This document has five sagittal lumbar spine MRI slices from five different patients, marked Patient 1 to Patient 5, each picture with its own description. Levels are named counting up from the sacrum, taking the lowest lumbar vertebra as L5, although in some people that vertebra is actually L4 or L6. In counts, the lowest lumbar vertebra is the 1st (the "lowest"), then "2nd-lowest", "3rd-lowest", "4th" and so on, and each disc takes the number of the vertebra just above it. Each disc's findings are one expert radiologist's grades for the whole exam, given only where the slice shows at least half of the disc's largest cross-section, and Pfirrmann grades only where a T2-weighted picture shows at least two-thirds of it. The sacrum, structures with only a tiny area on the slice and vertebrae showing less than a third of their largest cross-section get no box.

Patient 1 of 5:
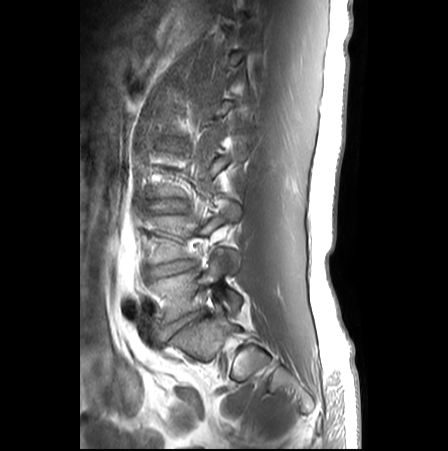 Sagittal slice index 20; Lumbar spine MR, T1-weighted, sagittal

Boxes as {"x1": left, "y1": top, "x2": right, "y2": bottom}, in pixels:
disc L5/S1 (lowest disc): {"x1": 165, "y1": 310, "x2": 203, "y2": 336}
disc L4/L5 (2nd-lowest disc): {"x1": 147, "y1": 261, "x2": 192, "y2": 279}
L5 (lowest vertebra): {"x1": 149, "y1": 254, "x2": 242, "y2": 324}
L4 (2nd-lowest vertebra): {"x1": 147, "y1": 204, "x2": 240, "y2": 273}
L3/L4 (3rd-lowest disc): {"x1": 150, "y1": 199, "x2": 182, "y2": 213}

Degenerative findings by level:
• L4/L5 (2nd-lowest disc): disc narrowing, disc bulging

Patient 2 of 5:
Patient sex: M, MRI lumbar spine (T2-weighted), sagittal plane, Slice 15 of 17
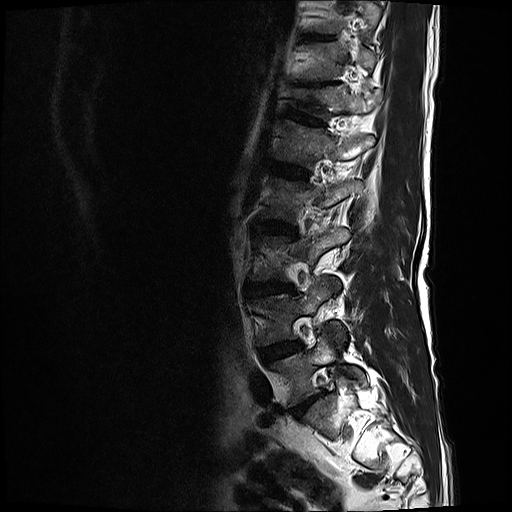

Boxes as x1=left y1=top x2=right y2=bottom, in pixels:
L1/L2 at x1=270 y1=159 x2=308 y2=178.
L2 vertebra at x1=260 y1=176 x2=362 y2=221.
L4 vertebra at x1=258 y1=277 x2=338 y2=344.
T12/L1 at x1=289 y1=108 x2=325 y2=124.
Disc L5/S1 at x1=291 y1=393 x2=321 y2=418.
L2/L3 at x1=252 y1=219 x2=297 y2=232.
T11 at x1=299 y1=43 x2=375 y2=79.
T12 vertebra at x1=294 y1=86 x2=381 y2=118.
L1 vertebra at x1=276 y1=119 x2=375 y2=168.
Disc T11/T12 at x1=305 y1=81 x2=330 y2=85.
L4/L5 at x1=261 y1=341 x2=301 y2=361.
L3/L4 at x1=248 y1=280 x2=293 y2=292.
L5 at x1=270 y1=334 x2=365 y2=404.
T10/T11 at x1=313 y1=34 x2=333 y2=38.

Radiological gradings:
• L4/L5: Modic type II, disc bulging
• L3/L4: Modic type II, disc narrowing, disc bulging
• L1/L2: no Modic or endplate change, herniation, narrowing, bulging or spondylolisthesis recorded

Patient 3 of 5:
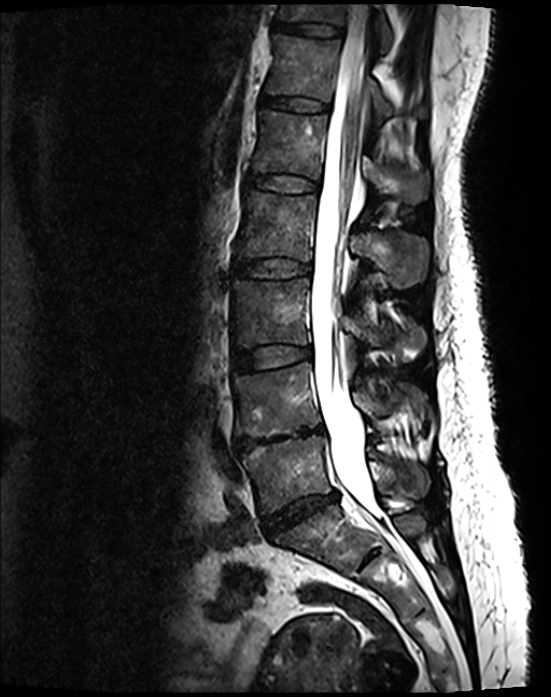 551x697 px; Patient sex: F; MRI lumbar spine (T2 SPACE (3D)), sagittal plane

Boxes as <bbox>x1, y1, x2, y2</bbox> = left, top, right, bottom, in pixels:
L3 vertebra — <bbox>233, 279, 420, 363</bbox>.
L4/L5 — <bbox>235, 427, 323, 451</bbox>.
L5 — <bbox>242, 435, 427, 513</bbox>.
T12 — <bbox>265, 35, 425, 124</bbox>.
T11 — <bbox>279, 4, 392, 53</bbox>.
L1 — <bbox>253, 110, 427, 201</bbox>.
L5/S1 — <bbox>263, 492, 337, 535</bbox>.
Disc T11/T12 — <bbox>273, 22, 341, 36</bbox>.
Disc L3/L4 — <bbox>233, 344, 311, 371</bbox>.
L2 vertebra — <bbox>237, 191, 426, 287</bbox>.
L1/L2 — <bbox>247, 173, 319, 192</bbox>.
Thecal sac / spinal canal — <bbox>310, 4, 375, 515</bbox>.
L4 — <bbox>235, 362, 423, 437</bbox>.
T12/L1 — <bbox>259, 96, 328, 110</bbox>.
Disc L2/L3 — <bbox>235, 259, 310, 278</bbox>.

Degenerative findings by level:
  L2/L3: Pfirrmann grade 2
  L3/L4: Pfirrmann grade 2
  T11/T12: Pfirrmann grade 2
  L5/S1: Pfirrmann grade 4, disc narrowing, disc bulging
  T12/L1: Pfirrmann grade 2
  L4/L5: Pfirrmann grade 5, lower-endplate change, Modic type II, disc narrowing, disc bulging, upper-endplate change
  L1/L2: Pfirrmann grade 2

Patient 4 of 5:
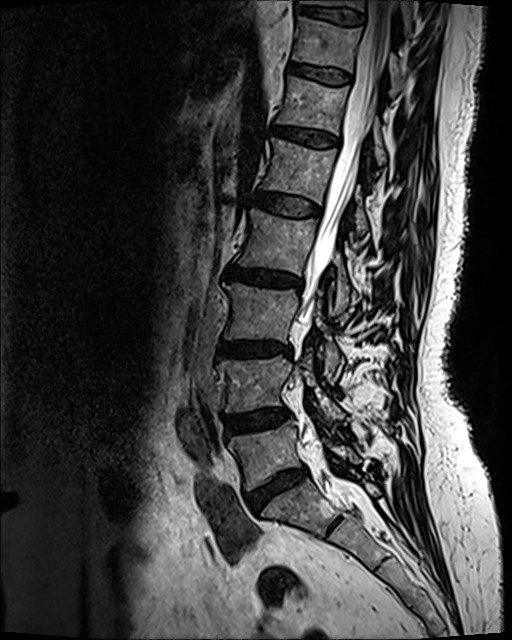

Field of view 240x300 mm, T2 SPACE (3D) sagittal MRI of the lumbar spine

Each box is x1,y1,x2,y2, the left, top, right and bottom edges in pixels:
Annotations:
• T10 (8th vertebra): 302,0,412,30
• T12/L1 (6th disc): 272,126,339,147
• intervertebral disc L4/L5 (2nd-lowest disc): 226,409,286,432
• T10/T11 (8th disc): 294,6,363,24
• intervertebral disc L5/S1 (lowest disc): 248,470,305,510
• L1 (5th vertebra): 261,138,367,234
• L3 (3rd-lowest vertebra): 224,284,340,379
• L3/L4 (3rd-lowest disc): 218,340,290,355
• L2 (4th vertebra): 237,208,351,313
• T11 (7th vertebra): 292,17,403,88
• T12 (6th vertebra): 277,76,386,163
• T11/T12 (7th disc): 288,63,350,83
• L5 (lowest vertebra): 229,421,360,490
• thecal sac / spinal canal: 292,1,395,442
• L2/L3 (4th disc): 224,266,301,289
• L4 (2nd-lowest vertebra): 218,354,344,421
• intervertebral disc L1/L2 (5th disc): 251,191,319,215

Radiological gradings:
• L3/L4 (3rd-lowest disc): Pfirrmann grade 4, upper-endplate change, Modic type II, lower-endplate change, disc narrowing, disc bulging
• L5/S1 (lowest disc): Pfirrmann grade 4, disc narrowing, disc bulging
• L1/L2 (5th disc): Pfirrmann grade 2
• T10/T11 (8th disc): Pfirrmann grade 2
• T12/L1 (6th disc): Pfirrmann grade 3, disc bulging
• T11/T12 (7th disc): Pfirrmann grade 2
• L4/L5 (2nd-lowest disc): Pfirrmann grade 3, disc bulging
• L2/L3 (4th disc): Pfirrmann grade 4, upper-endplate change, disc bulging, disc narrowing, lower-endplate change, Modic type II

Patient 5 of 5:
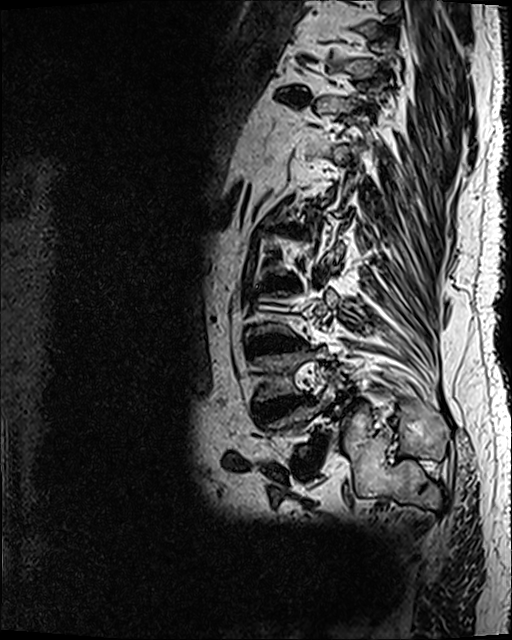 512x640 px. MRI lumbar spine (T2 SPACE (3D)), sagittal plane.

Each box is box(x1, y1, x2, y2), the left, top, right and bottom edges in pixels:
Intervertebral disc L1/L2 (5th disc) at box(270, 224, 309, 236); intervertebral disc T10/T11 (8th disc) at box(275, 87, 310, 104); L5 (lowest vertebra) at box(264, 381, 335, 455); L3/L4 (3rd-lowest disc) at box(247, 335, 302, 356); L4 (2nd-lowest vertebra) at box(252, 347, 332, 401); intervertebral disc L2/L3 (4th disc) at box(265, 275, 300, 290); L4/L5 (2nd-lowest disc) at box(252, 394, 316, 426); intervertebral disc L5/S1 (lowest disc) at box(294, 437, 325, 477).

Radiological gradings:
• L3/L4 (3rd-lowest disc): lower-endplate change, disc narrowing, Modic type II, disc bulging, upper-endplate change
• L5/S1 (lowest disc): Modic type II, spondylolisthesis, disc bulging, lower-endplate change, upper-endplate change, disc narrowing
• L4/L5 (2nd-lowest disc): upper-endplate change, disc bulging, disc narrowing, lower-endplate change, Modic type II